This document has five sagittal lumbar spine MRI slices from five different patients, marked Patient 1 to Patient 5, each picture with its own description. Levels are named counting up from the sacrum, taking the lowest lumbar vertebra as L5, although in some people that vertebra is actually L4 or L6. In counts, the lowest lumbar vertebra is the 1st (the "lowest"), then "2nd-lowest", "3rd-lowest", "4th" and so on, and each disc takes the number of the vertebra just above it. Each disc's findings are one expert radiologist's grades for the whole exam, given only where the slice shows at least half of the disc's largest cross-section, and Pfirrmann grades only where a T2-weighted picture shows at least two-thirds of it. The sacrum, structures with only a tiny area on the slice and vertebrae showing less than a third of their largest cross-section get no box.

Patient 1 of 5:
Slice 47/120. Image 512x640. Sagittal T2 SPACE (3D) lumbar spine MRI.
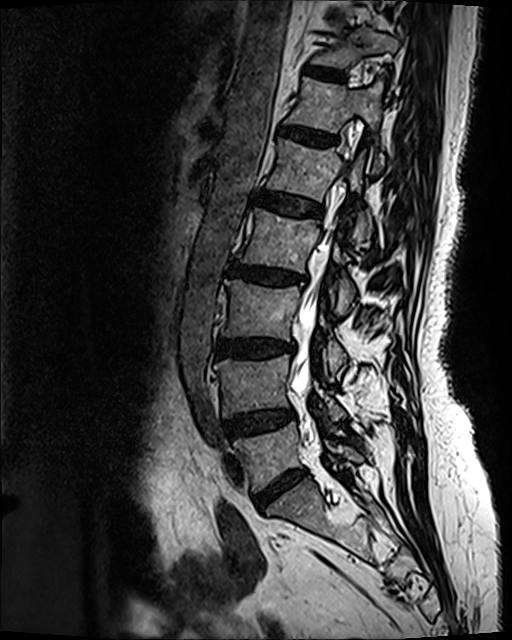 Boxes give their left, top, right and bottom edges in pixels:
T11 vertebra: left=312, top=28, right=398, bottom=67.
L5 vertebra: left=233, top=422, right=362, bottom=492.
IVD T11/T12: left=306, top=66, right=344, bottom=81.
L1: left=267, top=139, right=370, bottom=245.
L3 vertebra: left=222, top=280, right=346, bottom=374.
L3/L4: left=215, top=339, right=295, bottom=355.
L2 vertebra: left=239, top=208, right=354, bottom=313.
L4: left=214, top=354, right=344, bottom=421.
Spinal canal: left=290, top=155, right=349, bottom=438.
IVD L2/L3: left=229, top=265, right=303, bottom=284.
L4/L5: left=226, top=408, right=294, bottom=438.
IVD T12/L1: left=280, top=127, right=336, bottom=145.
T12 vertebra: left=286, top=75, right=383, bottom=169.
IVD L1/L2: left=255, top=190, right=321, bottom=215.
L5/S1: left=256, top=472, right=303, bottom=508.

Per-level radiological findings:
• T12/L1: Pfirrmann grade 3, disc bulging
• L1/L2: Pfirrmann grade 2
• L5/S1: disc narrowing, disc bulging
• L4/L5: Pfirrmann grade 3, disc bulging
• L3/L4: Pfirrmann grade 4, disc bulging, upper-endplate change, lower-endplate change, Modic type II, disc narrowing
• L2/L3: Pfirrmann grade 4, disc narrowing, Modic type II, disc bulging, lower-endplate change, upper-endplate change

Patient 2 of 5:
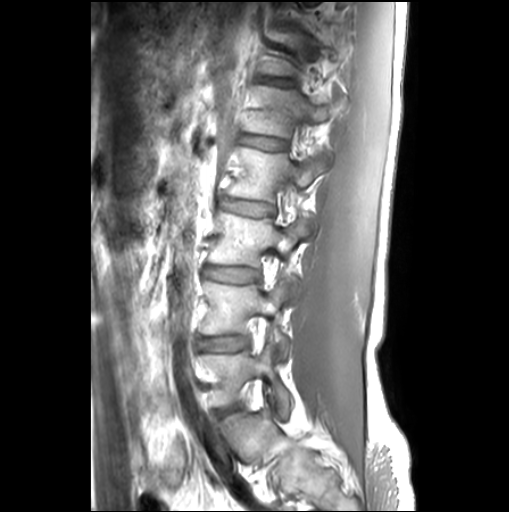 T1-weighted sagittal MRI of the lumbar spine
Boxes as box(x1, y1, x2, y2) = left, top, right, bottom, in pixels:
L2 (4th vertebra): box(227, 147, 331, 203).
L3 (3rd-lowest vertebra): box(208, 210, 313, 296).
T12/L1 (6th disc): box(259, 77, 295, 85).
L5 (lowest vertebra): box(200, 340, 290, 419).
L4 (2nd-lowest vertebra): box(200, 279, 291, 358).
L2/L3 (4th disc): box(221, 198, 273, 215).
L4/L5 (2nd-lowest disc): box(199, 336, 248, 351).
IVD T11/T12 (7th disc): box(280, 23, 295, 26).
L3/L4 (3rd-lowest disc): box(205, 266, 259, 282).
L1/L2 (5th disc): box(242, 136, 287, 149).
L1 (5th vertebra): box(243, 85, 336, 137).
T12 (6th vertebra): box(259, 30, 336, 75).

Per-level radiological findings:
  L1/L2 (5th disc): Modic type II
  L4/L5 (2nd-lowest disc), L3/L4 (3rd-lowest disc), L2/L3 (4th disc): no herniation, bulging, narrowing, spondylolisthesis, endplate or Modic change recorded

Patient 3 of 5:
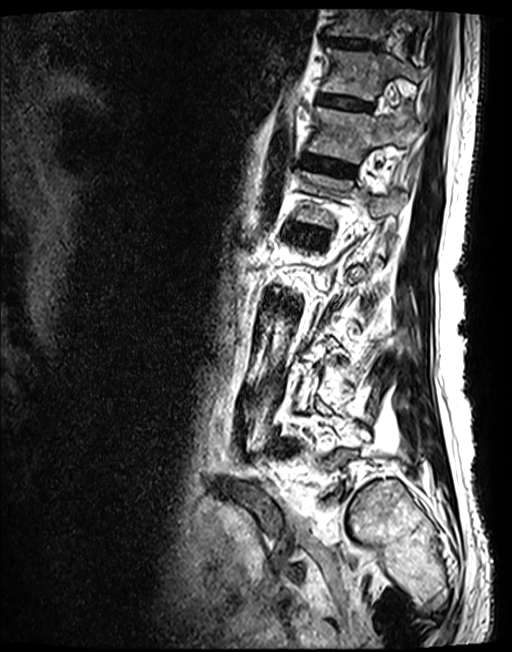
Lumbar spine MR, T2 SPACE (3D), sagittal
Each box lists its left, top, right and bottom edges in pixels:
L1 = left=295, top=171, right=406, bottom=227.
T11/T12 = left=317, top=94, right=371, bottom=109.
T12 = left=307, top=106, right=422, bottom=163.
T11 vertebra = left=320, top=48, right=423, bottom=100.
L1/L2 = left=291, top=224, right=328, bottom=244.
Intervertebral disc T10/T11 = left=322, top=35, right=379, bottom=49.
T10 = left=326, top=9, right=424, bottom=42.
Intervertebral disc T12/L1 = left=300, top=154, right=355, bottom=175.

Radiological gradings:
  T11/T12: Pfirrmann grade 3
  T10/T11: Pfirrmann grade 3
  T12/L1: Pfirrmann grade 3

Patient 4 of 5:
Sex M. Lumbar spine MR, T2-weighted, sagittal.
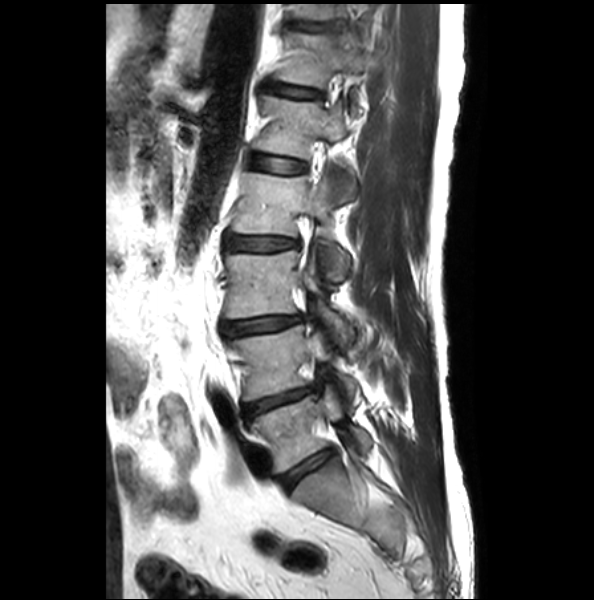
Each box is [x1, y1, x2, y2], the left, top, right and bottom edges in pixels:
Segmented structures:
* IVD L5/S1 (lowest disc) — [278, 447, 333, 492]
* L2/L3 (4th disc) — [225, 235, 299, 251]
* IVD L1/L2 (5th disc) — [251, 155, 307, 174]
* L4/L5 (2nd-lowest disc) — [241, 386, 315, 420]
* IVD L3/L4 (3rd-lowest disc) — [221, 314, 303, 337]
* L3 (3rd-lowest vertebra) — [224, 247, 353, 345]
* L5 (lowest vertebra) — [248, 385, 372, 473]
* L1 (5th vertebra) — [253, 96, 358, 204]
* T12 (6th vertebra) — [274, 33, 369, 113]
* L2 (4th vertebra) — [231, 173, 349, 280]
* IVD T12/L1 (6th disc) — [266, 84, 321, 98]
* T11 (7th vertebra) — [293, 5, 337, 22]
* L4 (2nd-lowest vertebra) — [228, 325, 361, 406]
* T11/T12 (7th disc) — [289, 22, 338, 30]

Per-level radiological findings:
• L1/L2 (5th disc): Pfirrmann grade 1, upper-endplate change
• L3/L4 (3rd-lowest disc): Pfirrmann grade 2, disc narrowing, disc bulging
• L5/S1 (lowest disc): upper-endplate change, lower-endplate change
• L4/L5 (2nd-lowest disc): Pfirrmann grade 2, disc bulging, lower-endplate change, disc narrowing
• T11/T12 (7th disc): lower-endplate change, upper-endplate change, disc bulging
• T12/L1 (6th disc): Pfirrmann grade 2, disc bulging, upper-endplate change
• L2/L3 (4th disc): Pfirrmann grade 2, disc bulging, disc narrowing

Patient 5 of 5:
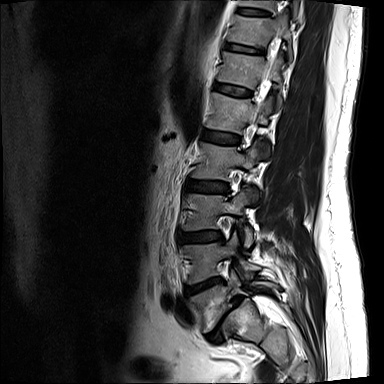
T2-weighted sagittal MRI of the lumbar spine | Field of view 280x280 mm | Image 384x384
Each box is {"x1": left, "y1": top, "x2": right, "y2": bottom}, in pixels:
L1 vertebra — {"x1": 206, "y1": 92, "x2": 271, "y2": 150} | L4 — {"x1": 181, "y1": 232, "x2": 260, "y2": 284} | L3/L4 — {"x1": 178, "y1": 231, "x2": 222, "y2": 242} | L3 vertebra — {"x1": 183, "y1": 188, "x2": 253, "y2": 247} | L2 — {"x1": 192, "y1": 141, "x2": 263, "y2": 180} | disc L1/L2 — {"x1": 202, "y1": 130, "x2": 240, "y2": 144} | disc L2/L3 — {"x1": 185, "y1": 180, "x2": 228, "y2": 193} | L5 — {"x1": 189, "y1": 270, "x2": 280, "y2": 332} | disc T12/L1 — {"x1": 215, "y1": 83, "x2": 251, "y2": 96} | T12 — {"x1": 218, "y1": 52, "x2": 282, "y2": 106} | T10 — {"x1": 239, "y1": 0, "x2": 299, "y2": 17} | T11 vertebra — {"x1": 228, "y1": 13, "x2": 293, "y2": 60} | L5/S1 — {"x1": 207, "y1": 296, "x2": 242, "y2": 343} | disc L4/L5 — {"x1": 185, "y1": 277, "x2": 222, "y2": 294} | spinal canal — {"x1": 258, "y1": 76, "x2": 269, "y2": 105} | disc T11/T12 — {"x1": 224, "y1": 43, "x2": 265, "y2": 54} | T10/T11 — {"x1": 238, "y1": 7, "x2": 269, "y2": 16}

Per-level radiological findings:
- L3/L4: disc bulging
- T12/L1: Pfirrmann grade 2
- L4/L5: Modic type II, disc narrowing, lower-endplate change, disc herniation, upper-endplate change
- L5/S1: lower-endplate change, upper-endplate change, disc bulging, spondylolisthesis, Modic type II, disc narrowing
- L1/L2: Pfirrmann grade 2, disc bulging
- T10/T11: Pfirrmann grade 3, upper-endplate change
- T11/T12: Pfirrmann grade 3, lower-endplate change, disc narrowing
- L2/L3: Pfirrmann grade 2, disc bulging